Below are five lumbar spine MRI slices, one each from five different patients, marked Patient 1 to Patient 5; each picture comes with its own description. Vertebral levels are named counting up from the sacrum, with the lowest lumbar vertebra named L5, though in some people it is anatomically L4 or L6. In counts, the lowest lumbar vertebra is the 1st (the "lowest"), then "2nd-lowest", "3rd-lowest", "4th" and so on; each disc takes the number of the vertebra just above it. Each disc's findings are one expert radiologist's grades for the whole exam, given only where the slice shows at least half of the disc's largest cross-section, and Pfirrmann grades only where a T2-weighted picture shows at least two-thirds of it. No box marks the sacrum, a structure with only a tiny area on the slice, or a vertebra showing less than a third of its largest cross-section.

Patient 1 of 5:
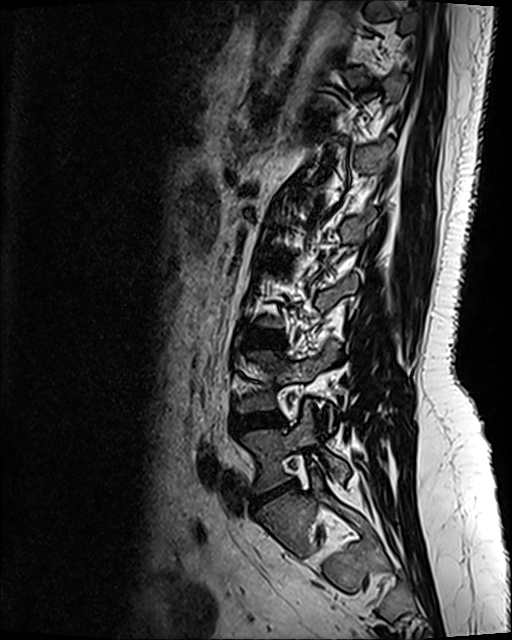 MRI lumbar spine (T2 SPACE (3D)), sagittal plane

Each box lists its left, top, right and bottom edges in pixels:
* 2nd-lowest disc at left=230, top=413, right=283, bottom=431
* lowest vertebra at left=242, top=401, right=348, bottom=492
* lowest disc at left=253, top=486, right=291, bottom=505
* 2nd-lowest vertebra at left=237, top=342, right=338, bottom=429
* 3rd-lowest disc at left=246, top=330, right=283, bottom=347
* 4th disc at left=267, top=256, right=291, bottom=269

Patient 2 of 5:
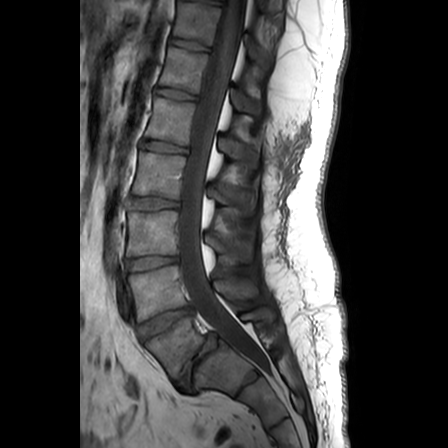
Sagittal T1-weighted lumbar spine MRI; Field of view 280x280 mm
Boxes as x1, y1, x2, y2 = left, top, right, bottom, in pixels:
IVD L5/S1: 177, 334, 220, 389
spinal canal: 179, 0, 269, 369
T11: 174, 3, 269, 67
L5: 146, 309, 275, 379
L1 vertebra: 146, 98, 259, 167
IVD L2/L3: 127, 197, 179, 209
IVD L1/L2: 145, 141, 187, 154
L2 vertebra: 133, 152, 255, 214
IVD T11/T12: 172, 38, 208, 51
L3/L4: 128, 256, 178, 272
L4/L5: 139, 306, 193, 340
L3: 127, 211, 252, 262
T12/L1: 157, 88, 197, 100
L4 vertebra: 129, 266, 258, 321
T12 vertebra: 160, 47, 261, 114

Per-level radiological findings:
  L5/S1: lower-endplate change, disc narrowing, disc bulging, spondylolisthesis
  L4/L5: disc bulging
  T12/L1, L3/L4, L1/L2, L2/L3, T11/T12: no herniation, bulging, narrowing, spondylolisthesis, endplate or Modic change recorded

Patient 3 of 5:
Sagittal slice index 67 | Lumbar spine MR, T2 SPACE (3D), sagittal 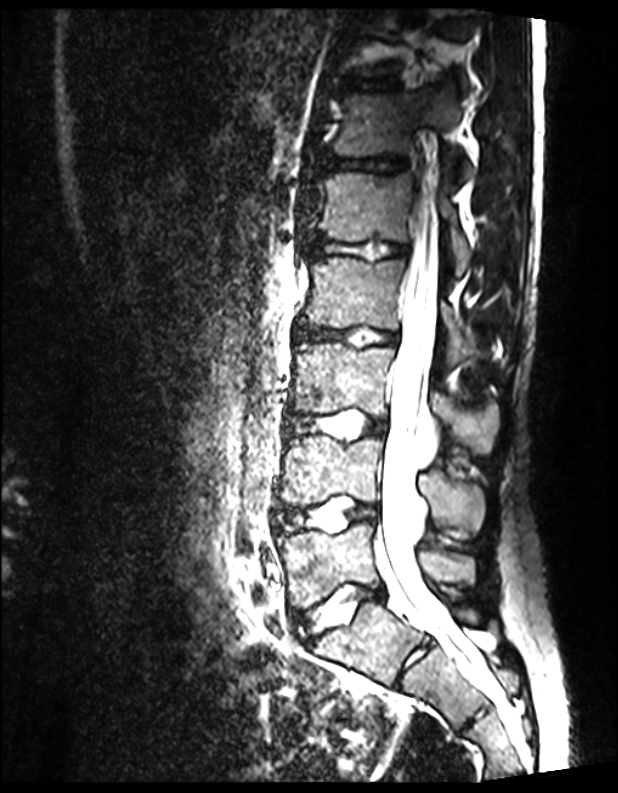

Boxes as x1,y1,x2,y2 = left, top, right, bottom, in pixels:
L2: 300,257,469,363 | L5/S1: 293,585,382,642 | T12/L1: 322,157,406,173 | L3: 292,342,498,453 | L4/L5: 277,498,376,531 | disc T11/T12: 343,77,399,90 | disc L2/L3: 294,327,398,346 | L4 vertebra: 281,437,484,538 | L5: 277,523,475,607 | thecal sac / spinal canal: 373,162,476,673 | L1: 316,173,472,275 | L1/L2: 309,236,407,258 | L3/L4: 287,410,387,439 | T12: 333,94,472,178

Radiological gradings:
  L3/L4: Pfirrmann grade 1
  L4/L5: Pfirrmann grade 1
  L2/L3: Pfirrmann grade 1
  L1/L2: Pfirrmann grade 1
  L5/S1: Pfirrmann grade 1
  T12/L1: Pfirrmann grade 1
  T11/T12: no herniation, bulging, narrowing, spondylolisthesis, endplate or Modic change recorded

Patient 4 of 5:
Field of view 240x300 mm, slice spacing 0.9 mm, T2 SPACE (3D) sagittal MRI of the lumbar spine, Scanner: SIEMENS Avanto_fit (1.5T), Sex M 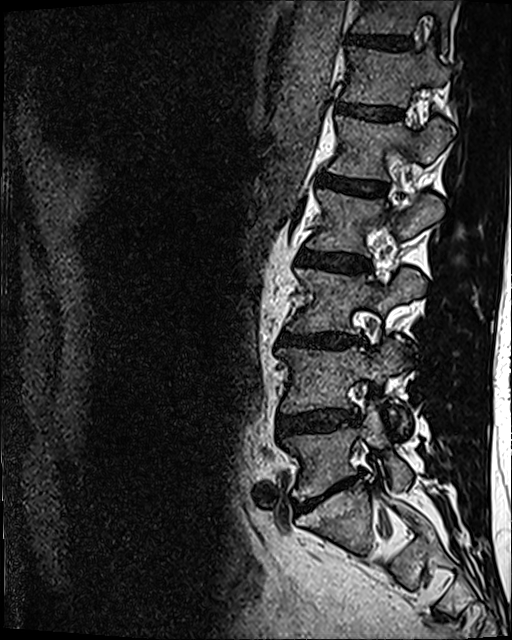 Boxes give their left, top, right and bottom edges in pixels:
Intervertebral disc L4/L5 (2nd-lowest disc): left=278, top=407, right=359, bottom=433.
L4 (2nd-lowest vertebra): left=278, top=341, right=412, bottom=430.
T12 (6th vertebra): left=342, top=46, right=451, bottom=106.
Intervertebral disc L5/S1 (lowest disc): left=296, top=475, right=357, bottom=509.
L1 (5th vertebra): left=330, top=115, right=451, bottom=180.
T12/L1 (6th disc): left=337, top=103, right=401, bottom=119.
L2 (4th vertebra): left=307, top=189, right=443, bottom=254.
L2/L3 (4th disc): left=299, top=250, right=368, bottom=271.
L3/L4 (3rd-lowest disc): left=279, top=331, right=364, bottom=348.
T11 (7th vertebra): left=351, top=0, right=453, bottom=49.
L5 (lowest vertebra): left=283, top=402, right=411, bottom=499.
Intervertebral disc T11/T12 (7th disc): left=348, top=34, right=412, bottom=49.
L3 (3rd-lowest vertebra): left=290, top=268, right=425, bottom=332.
Intervertebral disc L1/L2 (5th disc): left=320, top=173, right=385, bottom=196.

Per-level radiological findings:
  L4/L5 (2nd-lowest disc): Pfirrmann grade 3, disc bulging, disc narrowing
  L2/L3 (4th disc): Pfirrmann grade 3, disc bulging
  L3/L4 (3rd-lowest disc): Pfirrmann grade 4, disc bulging, lower-endplate change, disc narrowing
  T11/T12 (7th disc): Pfirrmann grade 4
  L1/L2 (5th disc): Pfirrmann grade 4
  T12/L1 (6th disc): Pfirrmann grade 3

Patient 5 of 5:
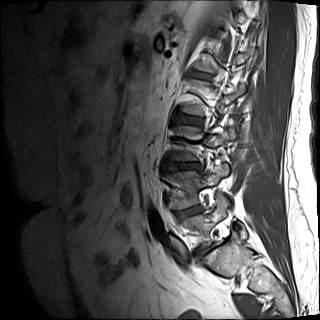 Field of view 280x280 mm; Lumbar spine MR, T1-weighted, sagittal; Patient sex: M; Slice 13/15

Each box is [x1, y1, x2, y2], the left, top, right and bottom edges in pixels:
L1/L2 = [191, 71, 211, 79] | intervertebral disc L4/L5 = [177, 206, 202, 219] | intervertebral disc L3/L4 = [165, 163, 200, 171] | L4 = [166, 163, 229, 209] | intervertebral disc L2/L3 = [177, 115, 200, 124] | L5 vertebra = [180, 193, 246, 247]

Per-level radiological findings:
- L3/L4: disc bulging